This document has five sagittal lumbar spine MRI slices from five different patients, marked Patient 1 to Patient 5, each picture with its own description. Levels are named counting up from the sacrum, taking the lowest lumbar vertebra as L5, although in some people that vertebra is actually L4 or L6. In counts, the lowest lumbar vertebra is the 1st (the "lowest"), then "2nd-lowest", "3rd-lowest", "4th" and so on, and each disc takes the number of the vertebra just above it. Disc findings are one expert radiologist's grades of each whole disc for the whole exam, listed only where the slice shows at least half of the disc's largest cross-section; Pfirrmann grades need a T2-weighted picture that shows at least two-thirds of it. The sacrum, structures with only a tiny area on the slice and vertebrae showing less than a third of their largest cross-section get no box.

Patient 1 of 5:
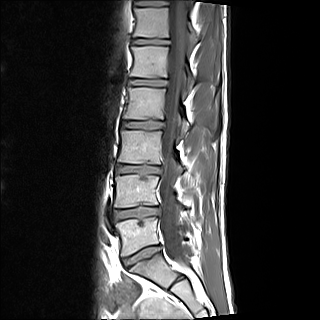

MRI lumbar spine (T1-weighted), sagittal plane, Patient sex: M
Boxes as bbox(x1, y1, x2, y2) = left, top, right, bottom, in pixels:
Lowest disc at bbox(123, 245, 160, 267); 2nd-lowest disc at bbox(113, 207, 159, 220); lowest vertebra at bbox(115, 217, 184, 256); 7th vertebra at bbox(136, 0, 194, 4); 6th vertebra at bbox(133, 8, 198, 47); 6th disc at bbox(132, 39, 169, 44); 7th disc at bbox(138, 3, 162, 5); 5th vertebra at bbox(130, 46, 194, 93); 3rd-lowest disc at bbox(116, 164, 161, 173); thecal sac / spinal canal at bbox(160, 0, 186, 265); 4th disc at bbox(122, 121, 163, 129); 2nd-lowest vertebra at bbox(114, 175, 181, 207); 3rd-lowest vertebra at bbox(118, 130, 184, 172); 5th disc at bbox(128, 79, 166, 86); 4th vertebra at bbox(123, 87, 189, 137).

Expert MSK radiologist gradings (per disc):
• 2nd-lowest disc: lower-endplate change, disc bulging, upper-endplate change
• 7th disc: upper-endplate change
• 6th disc: upper-endplate change, lower-endplate change
• 4th disc: lower-endplate change
• 3rd-lowest disc: disc narrowing, lower-endplate change, upper-endplate change
• lowest disc: upper-endplate change
• 5th disc: no herniation, bulging, narrowing, spondylolisthesis, endplate or Modic change recorded

Patient 2 of 5:
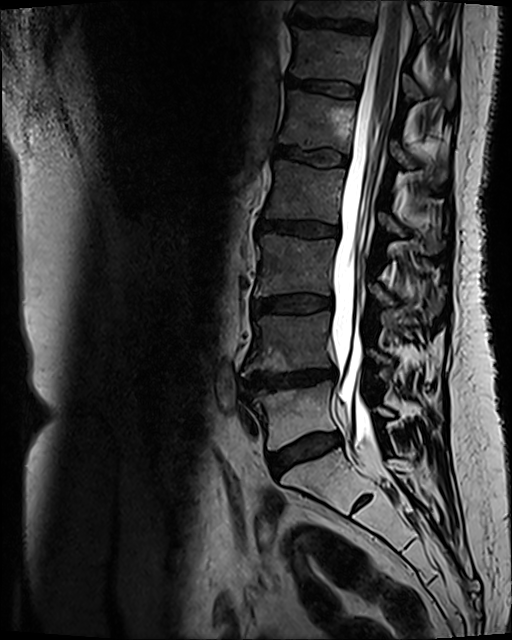
512x640 px. Sagittal T2 SPACE (3D) lumbar spine MRI.

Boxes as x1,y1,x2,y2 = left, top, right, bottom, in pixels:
Structures:
• 5th vertebra — 280,91,446,187
• 4th vertebra — 266,160,443,253
• 5th disc — 274,146,346,167
• 7th vertebra — 296,0,428,38
• 2nd-lowest vertebra — 242,312,389,375
• 6th disc — 288,78,359,98
• lowest vertebra — 249,381,393,449
• lowest disc — 269,433,340,476
• 4th disc — 257,221,338,236
• spinal canal — 332,1,408,443
• 2nd-lowest disc — 241,369,334,394
• 3rd-lowest vertebra — 254,235,441,315
• 7th disc — 292,14,373,32
• 3rd-lowest disc — 253,296,331,313
• 6th vertebra — 292,28,455,107

Per-level radiological findings:
• lowest disc: Pfirrmann grade 3, disc bulging, Modic type II
• 6th disc: Pfirrmann grade 3, Modic type II
• 2nd-lowest disc: Pfirrmann grade 4, disc narrowing, disc bulging, upper-endplate change, Modic type II, lower-endplate change
• 4th disc: Pfirrmann grade 3, disc bulging, Modic type II
• 3rd-lowest disc: Pfirrmann grade 3, disc bulging, Modic type II
• 7th disc: Pfirrmann grade 4, upper-endplate change, Modic type II, lower-endplate change
• 5th disc: Pfirrmann grade 3, Modic type II

Patient 3 of 5:
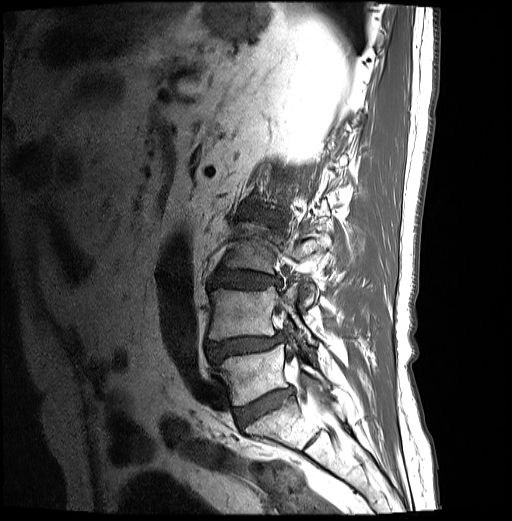 Slice 21 of 30. Patient sex: M. MRI lumbar spine (T1-weighted), sagittal plane.

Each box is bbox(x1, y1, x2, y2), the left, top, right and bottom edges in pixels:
L3: bbox(226, 234, 330, 307)
L4: bbox(208, 282, 318, 345)
L5 vertebra: bbox(217, 345, 328, 405)
L5/S1: bbox(234, 388, 290, 428)
L4/L5: bbox(209, 334, 283, 358)
spinal canal: bbox(279, 309, 325, 406)
L3/L4: bbox(213, 270, 280, 289)

Expert MSK radiologist gradings (per disc):
• L4/L5: spondylolisthesis, disc herniation, disc bulging, lower-endplate change, disc narrowing, upper-endplate change, Modic type II
• L3/L4: disc bulging, lower-endplate change, upper-endplate change
• L5/S1: no Modic or endplate change, herniation, narrowing, bulging or spondylolisthesis recorded

Patient 4 of 5:
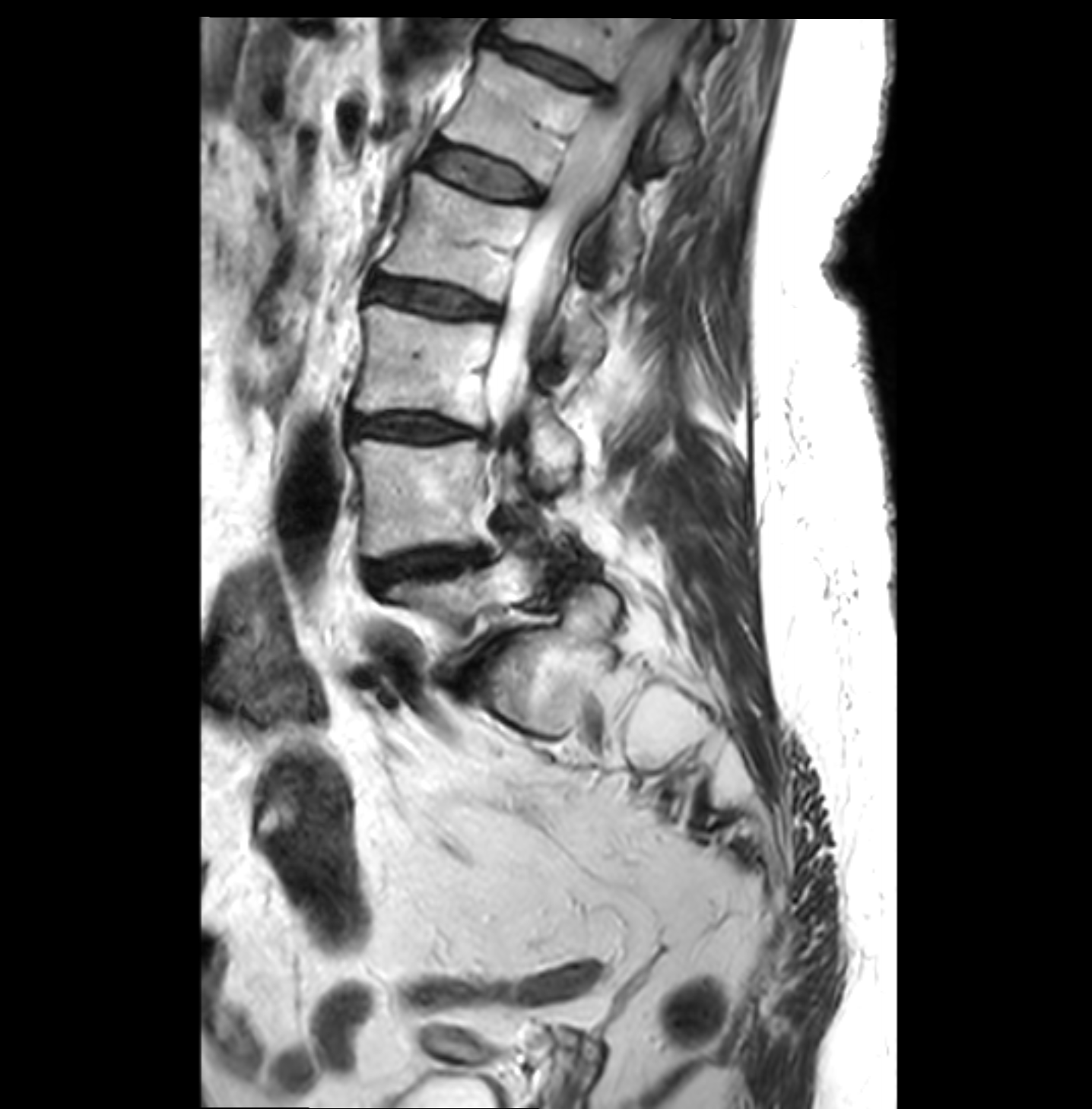
Patient sex: F. Image 1092x1109. T2-weighted sagittal MRI of the lumbar spine.

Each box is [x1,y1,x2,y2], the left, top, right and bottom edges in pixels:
L3 vertebra at [354,303,577,493], spinal canal at [497,31,678,418], intervertebral disc L2/L3 at [370,277,496,315], L4 vertebra at [350,439,575,557], T12/L1 at [488,36,605,94], intervertebral disc L1/L2 at [427,142,540,200], intervertebral disc L4/L5 at [366,549,481,587], L5/S1 at [449,637,506,691], T12 vertebra at [497,17,701,160], L2 at [380,170,605,369], L5 at [385,547,542,661], L3/L4 at [350,413,487,440], L1 at [443,49,654,258].

Per-level radiological findings:
  T12/L1: Pfirrmann grade 3, disc bulging
  L4/L5: Pfirrmann grade 3, Modic type II, disc bulging, disc narrowing
  L1/L2: Pfirrmann grade 2, Modic type II
  L2/L3: Pfirrmann grade 3, disc bulging, Modic type II
  L3/L4: Pfirrmann grade 3, disc narrowing, Modic type II, disc bulging

Patient 5 of 5:
T2 SPACE (3D) sagittal MRI of the lumbar spine

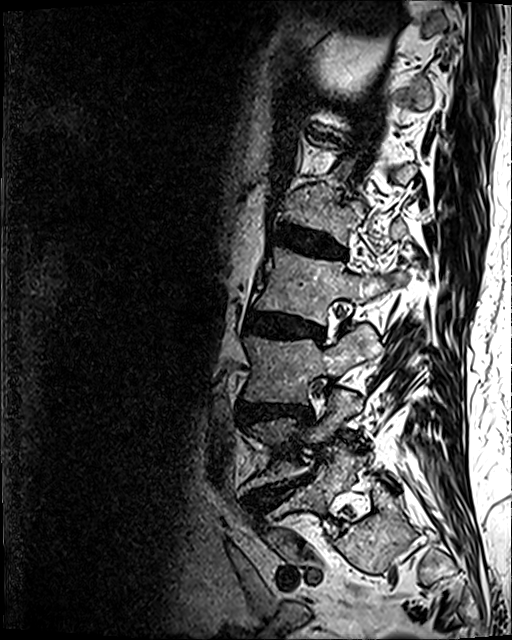 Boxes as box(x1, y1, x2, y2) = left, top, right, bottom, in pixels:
2nd-lowest vertebra at box(241, 391, 361, 491); 5th vertebra at box(285, 189, 407, 244); lowest vertebra at box(274, 452, 366, 532); 2nd-lowest disc at box(245, 473, 311, 511); 4th disc at box(245, 311, 323, 339); 5th disc at box(275, 225, 345, 258); 4th vertebra at box(254, 246, 403, 324); 3rd-lowest vertebra at box(244, 325, 379, 403); 3rd-lowest disc at box(243, 404, 311, 424).

Per-level radiological findings:
- 5th disc: Pfirrmann grade 4, disc bulging, disc narrowing, lower-endplate change, upper-endplate change
- 4th disc: Pfirrmann grade 4, disc bulging, Modic type II, upper-endplate change, disc narrowing, lower-endplate change
- 2nd-lowest disc: Pfirrmann grade 5, disc bulging, disc herniation, upper-endplate change, disc narrowing, lower-endplate change, Modic type II
- 3rd-lowest disc: Pfirrmann grade 4, lower-endplate change, disc bulging, disc narrowing, upper-endplate change